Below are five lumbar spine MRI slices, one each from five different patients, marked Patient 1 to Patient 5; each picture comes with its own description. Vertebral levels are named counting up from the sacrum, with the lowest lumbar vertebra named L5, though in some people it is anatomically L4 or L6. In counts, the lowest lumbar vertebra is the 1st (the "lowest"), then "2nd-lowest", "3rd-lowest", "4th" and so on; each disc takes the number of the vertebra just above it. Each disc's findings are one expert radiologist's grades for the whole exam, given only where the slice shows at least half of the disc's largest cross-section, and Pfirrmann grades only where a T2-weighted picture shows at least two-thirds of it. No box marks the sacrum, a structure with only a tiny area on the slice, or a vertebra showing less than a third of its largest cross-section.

Patient 1 of 5:
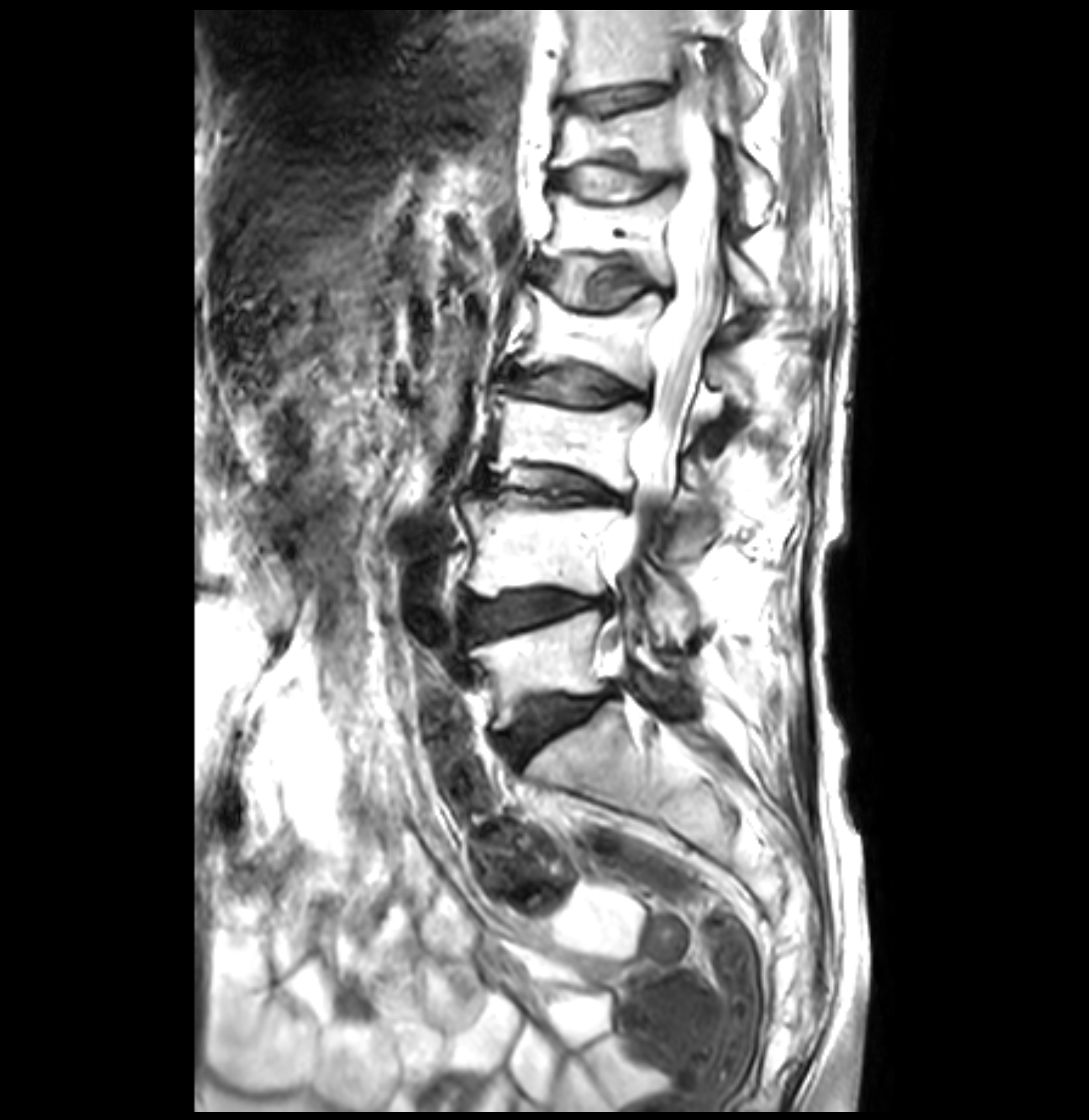

Slice 19 of 36 | Sex F | MRI lumbar spine (T2-weighted), sagittal plane
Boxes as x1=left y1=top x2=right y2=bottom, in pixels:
Intervertebral disc L1/L2 (5th disc) at x1=532 y1=255 x2=673 y2=307.
T11 (7th vertebra) at x1=562 y1=8 x2=761 y2=111.
L3/L4 (3rd-lowest disc) at x1=477 y1=468 x2=624 y2=502.
L4 (2nd-lowest vertebra) at x1=462 y1=493 x2=692 y2=639.
L2/L3 (4th disc) at x1=505 y1=368 x2=646 y2=403.
T12/L1 (6th disc) at x1=554 y1=164 x2=683 y2=199.
L5/S1 (lowest disc) at x1=499 y1=691 x2=610 y2=763.
T11/T12 (7th disc) at x1=557 y1=83 x2=666 y2=114.
T12 (6th vertebra) at x1=549 y1=98 x2=770 y2=225.
L1 (5th vertebra) at x1=537 y1=186 x2=768 y2=302.
L5 (lowest vertebra) at x1=469 y1=609 x2=675 y2=727.
L2 (4th vertebra) at x1=516 y1=285 x2=751 y2=405.
L4/L5 (2nd-lowest disc) at x1=467 y1=590 x2=612 y2=636.
Thecal sac / spinal canal at x1=617 y1=69 x2=726 y2=564.
L3 (3rd-lowest vertebra) at x1=484 y1=386 x2=717 y2=550.

Expert MSK radiologist gradings (per disc):
- L5/S1 (lowest disc): lower-endplate change, disc bulging, upper-endplate change, Modic type II
- L2/L3 (4th disc): Pfirrmann grade 3, disc bulging, Modic type II, lower-endplate change, upper-endplate change, disc narrowing
- T11/T12 (7th disc): Pfirrmann grade 1, lower-endplate change, upper-endplate change, Modic type II
- L4/L5 (2nd-lowest disc): Pfirrmann grade 4, Modic type II, disc bulging, lower-endplate change, upper-endplate change
- L1/L2 (5th disc): Pfirrmann grade 3, upper-endplate change, Modic type II, lower-endplate change, disc bulging
- L3/L4 (3rd-lowest disc): disc bulging, disc narrowing, Modic type II, lower-endplate change, upper-endplate change
- T12/L1 (6th disc): Pfirrmann grade 3, upper-endplate change, Modic type II, lower-endplate change

Patient 2 of 5:
T2-weighted sagittal MRI of the lumbar spine, Patient sex: M, Sagittal slice index 5

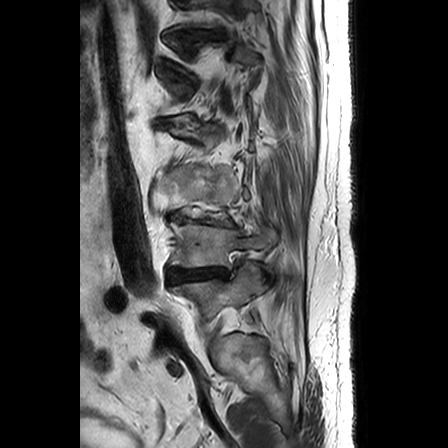 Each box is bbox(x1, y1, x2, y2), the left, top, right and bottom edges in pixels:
L4 vertebra: bbox(171, 222, 275, 267)
IVD L3/L4: bbox(170, 215, 236, 226)
IVD T11/T12: bbox(169, 30, 213, 39)
IVD L4/L5: bbox(168, 268, 228, 283)
L5 vertebra: bbox(170, 263, 262, 321)

Per-level radiological findings:
- T11/T12: upper-endplate change, disc bulging, disc narrowing
- L3/L4: Pfirrmann grade 5, disc bulging, Modic type II, disc herniation, disc narrowing
- L4/L5: Pfirrmann grade 5, Modic type II, disc narrowing, disc bulging, disc herniation

Patient 3 of 5:
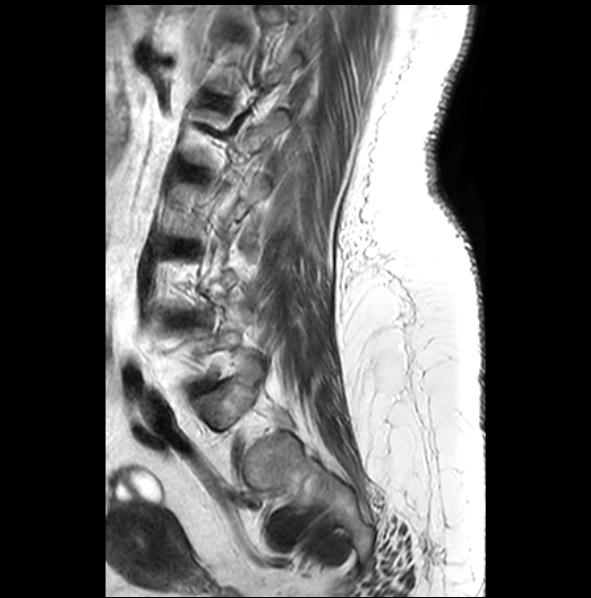 Slice 21/28; 591x598 px; Lumbar spine MR, T2-weighted, sagittal
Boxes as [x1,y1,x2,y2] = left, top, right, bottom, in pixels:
Intervertebral disc L4/L5 at [178,314,197,323], L1/L2 at [210,96,221,104].

Patient 4 of 5:
MRI lumbar spine (T2 SPACE (3D)), sagittal plane. Slice 67/120. Field of view 240x300 mm. 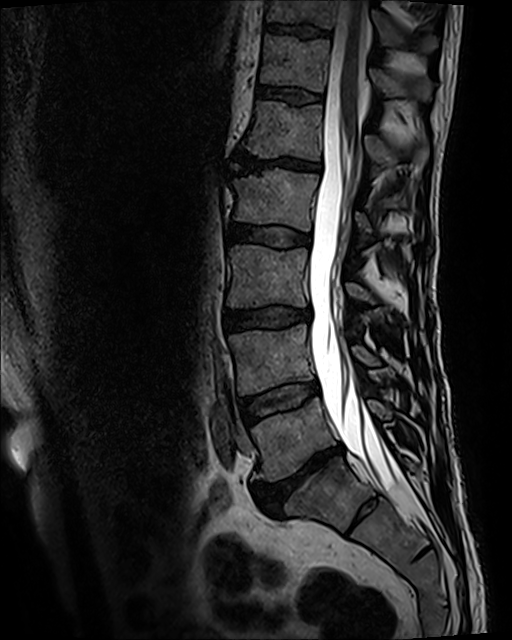

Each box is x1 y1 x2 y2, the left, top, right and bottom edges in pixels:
- L4/L5 at 240 382 318 422
- intervertebral disc T11/T12 at 265 24 328 36
- T12 vertebra at 260 34 431 100
- intervertebral disc L5/S1 at 254 444 343 510
- L1 vertebra at 243 102 428 172
- L4 vertebra at 228 324 379 395
- spinal canal at 308 0 402 489
- L3 at 227 245 374 307
- L3/L4 at 225 307 310 329
- L5 at 251 398 392 481
- T11 at 267 0 436 52
- intervertebral disc T12/L1 at 257 84 321 104
- intervertebral disc L1/L2 at 236 152 320 172
- L2/L3 at 228 223 312 247
- L2 vertebra at 231 168 372 241

Expert MSK radiologist gradings (per disc):
• L5/S1: Pfirrmann grade 5, Modic type II, disc narrowing, upper-endplate change, lower-endplate change, disc bulging
• T12/L1: Pfirrmann grade 3
• L1/L2: Pfirrmann grade 5, lower-endplate change, disc narrowing, disc bulging, upper-endplate change, Modic type II
• L4/L5: Pfirrmann grade 3, Modic type II
• L3/L4: Pfirrmann grade 3, upper-endplate change, disc bulging, lower-endplate change
• L2/L3: Pfirrmann grade 3
• T11/T12: Pfirrmann grade 3, lower-endplate change, upper-endplate change

Patient 5 of 5:
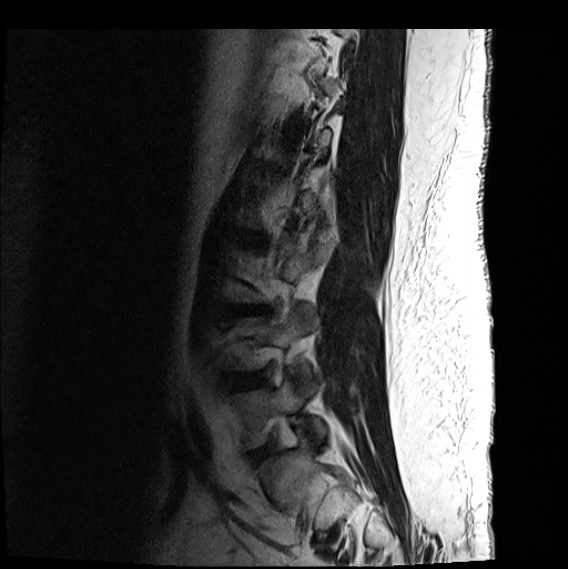

Lumbar spine MR, T2-weighted, sagittal

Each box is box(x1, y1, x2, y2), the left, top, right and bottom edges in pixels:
{"L3/L4": "box(236, 307, 260, 313)", "L4/L5": "box(227, 374, 266, 389)", "L5/S1": "box(250, 448, 266, 460)", "L5": "box(232, 375, 327, 449)"}